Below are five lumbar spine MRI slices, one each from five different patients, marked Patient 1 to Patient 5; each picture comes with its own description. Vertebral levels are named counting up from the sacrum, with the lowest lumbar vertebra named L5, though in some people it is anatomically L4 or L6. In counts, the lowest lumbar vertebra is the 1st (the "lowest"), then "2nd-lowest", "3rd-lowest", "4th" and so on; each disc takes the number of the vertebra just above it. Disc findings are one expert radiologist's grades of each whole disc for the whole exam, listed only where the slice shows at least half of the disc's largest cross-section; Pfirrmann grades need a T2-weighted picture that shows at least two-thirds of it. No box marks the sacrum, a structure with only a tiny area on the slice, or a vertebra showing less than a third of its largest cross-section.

Patient 1 of 5:
Sex F, Slice 17/24, Image 448x448, Sagittal T1-weighted lumbar spine MRI
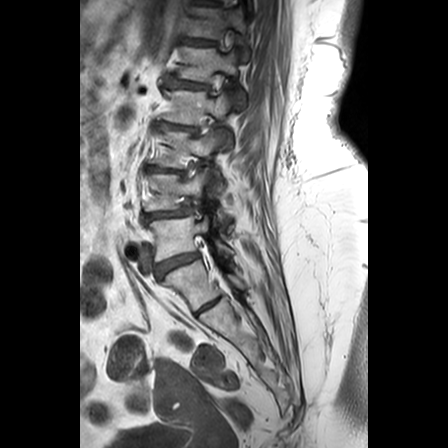 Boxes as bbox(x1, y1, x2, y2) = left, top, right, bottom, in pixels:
IVD L4/L5 = bbox(143, 206, 190, 219).
L3 = bbox(152, 128, 222, 188).
L3/L4 = bbox(146, 163, 184, 171).
IVD L1/L2 = bbox(166, 76, 207, 86).
T12 = bbox(185, 0, 249, 58).
L4 = bbox(144, 166, 222, 219).
L2 = bbox(162, 88, 231, 140).
IVD L5/S1 = bbox(155, 250, 199, 276).
L1 = bbox(177, 45, 241, 101).
L5 = bbox(149, 213, 231, 259).
L2/L3 = bbox(156, 120, 198, 130).
T12/L1 = bbox(181, 34, 217, 44).

Per-level radiological findings:
  L2/L3: lower-endplate change, Modic type II, disc bulging, upper-endplate change, disc narrowing
  L1/L2: lower-endplate change, upper-endplate change, Modic type II, disc bulging, disc narrowing
  L5/S1: disc bulging
  L4/L5: disc narrowing, spondylolisthesis, disc bulging
  T12/L1: lower-endplate change, Modic type II, upper-endplate change

Patient 2 of 5:
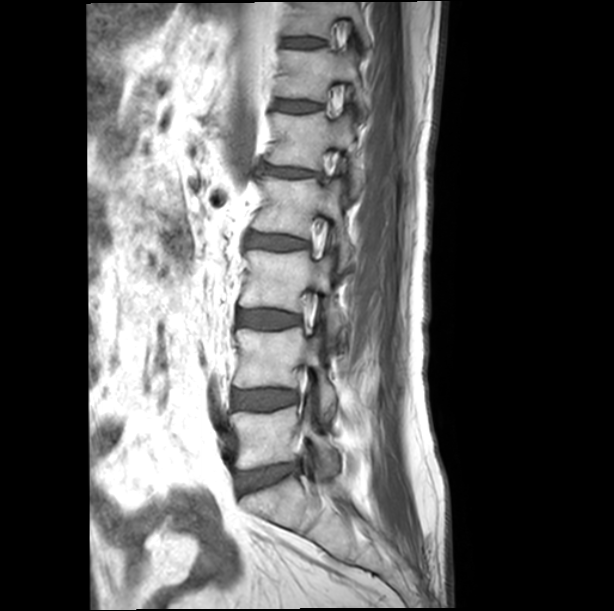 Lumbar spine MR, T1-weighted, sagittal. Sagittal slice index 12.

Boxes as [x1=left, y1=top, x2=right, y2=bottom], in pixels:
Structures:
- T11: [x1=284, y1=2, x2=371, y2=47]
- L2 vertebra: [x1=252, y1=176, x2=353, y2=266]
- L1: [x1=267, y1=111, x2=365, y2=195]
- disc L2/L3: [x1=246, y1=234, x2=309, y2=250]
- disc T11/T12: [x1=286, y1=38, x2=324, y2=47]
- disc L1/L2: [x1=261, y1=165, x2=321, y2=176]
- L5 vertebra: [x1=231, y1=406, x2=337, y2=469]
- T12/L1: [x1=276, y1=100, x2=321, y2=112]
- L3/L4: [x1=238, y1=310, x2=300, y2=328]
- L4 vertebra: [x1=234, y1=327, x2=336, y2=414]
- T12 vertebra: [x1=277, y1=47, x2=368, y2=114]
- L3 vertebra: [x1=239, y1=249, x2=344, y2=340]
- L4/L5: [x1=233, y1=390, x2=297, y2=409]
- L5/S1: [x1=239, y1=465, x2=298, y2=490]

Degenerative findings by level:
- L5/S1: disc bulging
- L1/L2: disc narrowing, disc bulging
- L4/L5, L3/L4, L2/L3, T12/L1, T11/T12: no Modic or endplate change, herniation, narrowing, bulging or spondylolisthesis recorded

Patient 3 of 5:
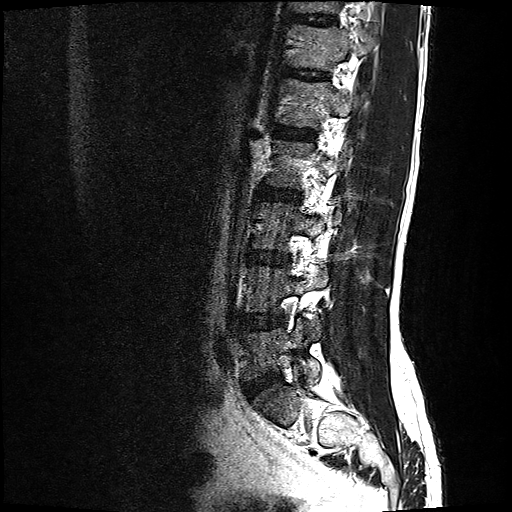
Sagittal T2-weighted lumbar spine MRI. Image 512x512.
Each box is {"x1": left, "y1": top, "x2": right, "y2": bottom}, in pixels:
L5 vertebra at {"x1": 243, "y1": 316, "x2": 321, "y2": 382}.
T11 vertebra at {"x1": 294, "y1": 0, "x2": 342, "y2": 11}.
L4/L5 at {"x1": 236, "y1": 313, "x2": 284, "y2": 328}.
Disc L3/L4 at {"x1": 248, "y1": 249, "x2": 290, "y2": 263}.
L4 at {"x1": 243, "y1": 265, "x2": 328, "y2": 338}.
Disc L2/L3 at {"x1": 260, "y1": 186, "x2": 300, "y2": 199}.
Disc T11/T12 at {"x1": 294, "y1": 13, "x2": 335, "y2": 23}.
L1 vertebra at {"x1": 278, "y1": 77, "x2": 366, "y2": 126}.
T12/L1 at {"x1": 287, "y1": 68, "x2": 327, "y2": 78}.
Disc L5/S1 at {"x1": 245, "y1": 371, "x2": 281, "y2": 395}.
L2 vertebra at {"x1": 265, "y1": 138, "x2": 340, "y2": 186}.
T12 vertebra at {"x1": 289, "y1": 22, "x2": 370, "y2": 68}.
L1/L2 at {"x1": 274, "y1": 124, "x2": 315, "y2": 138}.

Expert MSK radiologist gradings (per disc):
- T11/T12: Pfirrmann grade 2
- L1/L2, T12/L1: no spondylolisthesis, narrowing, bulging, herniation, Modic or endplate change recorded

Patient 4 of 5:
Lumbar spine MR, T2 SPACE (3D), sagittal; Scanner: SIEMENS Avanto_fit (1.5T); Sex M

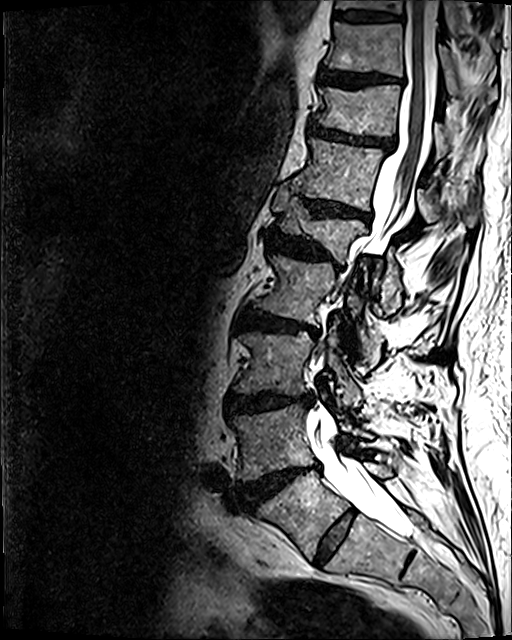

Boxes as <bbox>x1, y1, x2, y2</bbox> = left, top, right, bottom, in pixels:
L1 vertebra at <bbox>274, 185, 399, 297</bbox>, T10 vertebra at <bbox>325, 22, 496, 100</bbox>, L4 at <bbox>232, 405, 372, 481</bbox>, L5 vertebra at <bbox>258, 462, 390, 559</bbox>, intervertebral disc T10/T11 at <bbox>320, 68, 402, 88</bbox>, intervertebral disc T11/T12 at <bbox>308, 122, 390, 151</bbox>, intervertebral disc L4/L5 at <bbox>243, 463, 319, 506</bbox>, intervertebral disc L1/L2 at <bbox>268, 232, 339, 268</bbox>, thecal sac / spinal canal at <bbox>306, 0, 436, 536</bbox>, intervertebral disc L2/L3 at <bbox>240, 311, 319, 336</bbox>, T9 vertebra at <bbox>336, 0, 459, 34</bbox>, T12 at <bbox>290, 137, 434, 222</bbox>, T12/L1 at <bbox>305, 200, 369, 219</bbox>, intervertebral disc L3/L4 at <bbox>226, 392, 312, 414</bbox>, L3 vertebra at <bbox>234, 327, 360, 409</bbox>, intervertebral disc T9/T10 at <bbox>335, 10, 400, 21</bbox>, T11 vertebra at <bbox>314, 84, 446, 161</bbox>, L5/S1 at <bbox>314, 510, 355, 565</bbox>, L2 at <bbox>254, 255, 381, 360</bbox>.

Degenerative findings by level:
  L4/L5: Pfirrmann grade 5, upper-endplate change, lower-endplate change, Modic type II, disc herniation, disc bulging, disc narrowing
  L2/L3: disc narrowing, upper-endplate change, disc bulging, lower-endplate change, Modic type II
  T11/T12: Pfirrmann grade 4, upper-endplate change, disc bulging, disc narrowing, lower-endplate change
  L5/S1: Pfirrmann grade 2
  T12/L1: Pfirrmann grade 4, disc narrowing, lower-endplate change, upper-endplate change, disc bulging
  T9/T10: Pfirrmann grade 3, lower-endplate change
  L1/L2: Pfirrmann grade 4, lower-endplate change, disc bulging, upper-endplate change, disc narrowing
  T10/T11: Pfirrmann grade 4, upper-endplate change, disc bulging, lower-endplate change
  L3/L4: Pfirrmann grade 4, disc narrowing, lower-endplate change, upper-endplate change, disc bulging

Patient 5 of 5:
Lumbar spine MR, T2-weighted, sagittal, Image 477x478
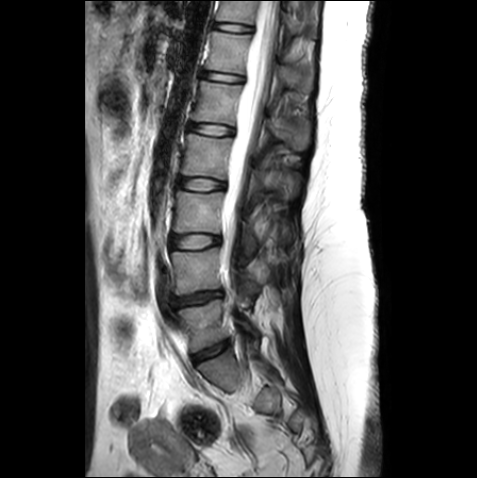
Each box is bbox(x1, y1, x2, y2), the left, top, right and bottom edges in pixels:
5th vertebra at bbox(192, 81, 310, 150); spinal canal at bbox(221, 1, 278, 275); 2nd-lowest disc at bbox(173, 291, 221, 305); 6th vertebra at bbox(205, 31, 314, 91); 5th disc at bbox(189, 123, 232, 135); 4th disc at bbox(179, 178, 224, 190); lowest disc at bbox(193, 341, 228, 362); 7th vertebra at bbox(216, 1, 316, 45); 6th disc at bbox(203, 71, 243, 81); lowest vertebra at bbox(178, 299, 258, 352); 2nd-lowest vertebra at bbox(171, 247, 260, 294); 7th disc at bbox(215, 22, 251, 31); 3rd-lowest vertebra at bbox(173, 191, 256, 255); 3rd-lowest disc at bbox(171, 234, 219, 248); 4th vertebra at bbox(181, 134, 298, 203).

Expert MSK radiologist gradings (per disc):
- 7th disc: Pfirrmann grade 1
- 4th disc: Pfirrmann grade 1
- 3rd-lowest disc: Pfirrmann grade 1
- 6th disc: Pfirrmann grade 1
- 2nd-lowest disc: Pfirrmann grade 3, disc narrowing, disc bulging
- 5th disc: Pfirrmann grade 1
- lowest disc: no spondylolisthesis, narrowing, bulging, herniation, Modic or endplate change recorded